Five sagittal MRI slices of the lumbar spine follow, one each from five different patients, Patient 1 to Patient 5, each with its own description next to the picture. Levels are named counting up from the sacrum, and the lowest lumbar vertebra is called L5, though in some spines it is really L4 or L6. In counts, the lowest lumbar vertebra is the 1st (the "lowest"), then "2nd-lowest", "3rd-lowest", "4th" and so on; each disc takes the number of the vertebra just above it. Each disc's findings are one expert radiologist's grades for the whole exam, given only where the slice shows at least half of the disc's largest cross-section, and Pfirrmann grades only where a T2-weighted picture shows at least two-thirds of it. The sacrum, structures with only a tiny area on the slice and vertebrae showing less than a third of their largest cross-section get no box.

Patient 1 of 5:
Field of view 300x300 mm, T2-weighted sagittal MRI of the lumbar spine

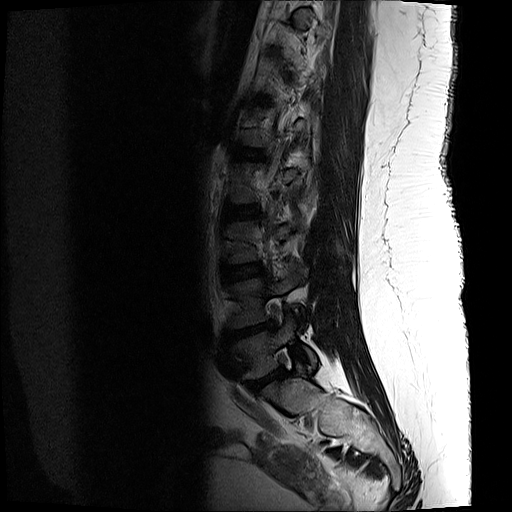

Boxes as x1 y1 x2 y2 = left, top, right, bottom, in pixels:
{"L5/S1": "249 368 285 390", "L2/L3": "227 206 258 217", "L4/L5": "223 319 277 343", "L3 vertebra": "227 217 304 263", "L5 vertebra": "225 313 318 379", "disc L3/L4": "225 263 266 280", "L1/L2": "233 147 262 158", "L4": "226 260 307 328"}

Expert MSK radiologist gradings (per disc):
  L5/S1: upper-endplate change, disc narrowing, Modic type II, disc herniation, lower-endplate change
  L4/L5: Pfirrmann grade 5, disc narrowing, Modic type II, disc herniation, upper-endplate change, lower-endplate change
  L3/L4: Pfirrmann grade 3
  L2/L3: lower-endplate change, upper-endplate change
  L1/L2: lower-endplate change

Patient 2 of 5:
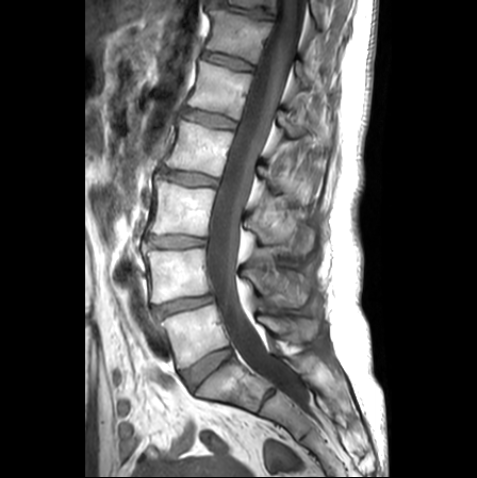 T1-weighted sagittal MRI of the lumbar spine, Sagittal slice index 12, 477x478 px

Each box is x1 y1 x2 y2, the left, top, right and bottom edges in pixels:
L3 vertebra: 150 175 314 255.
IVD L5/S1: 182 348 231 389.
L4/L5: 153 294 213 318.
T12: 207 10 308 87.
L5: 162 304 318 368.
L3/L4: 148 236 206 247.
IVD T12/L1: 203 51 252 70.
L1/L2: 184 108 236 128.
L2/L3: 162 167 217 186.
L4: 147 249 310 305.
IVD T11/T12: 210 0 273 19.
T11: 220 0 320 17.
Spinal canal: 208 0 306 394.
L1: 188 61 329 144.
L2: 165 119 279 190.

Expert MSK radiologist gradings (per disc):
  L2/L3: lower-endplate change, disc bulging, upper-endplate change
  T11/T12: disc narrowing, lower-endplate change, upper-endplate change
  L3/L4: disc bulging, disc narrowing
  T12/L1: upper-endplate change, lower-endplate change
  L4/L5: disc bulging, upper-endplate change, disc narrowing, lower-endplate change
  L1/L2: lower-endplate change, upper-endplate change
  L5/S1: no spondylolisthesis, narrowing, bulging, herniation, Modic or endplate change recorded

Patient 3 of 5:
Slice spacing 3.3 mm | Patient sex: M | Sagittal T2-weighted lumbar spine MRI
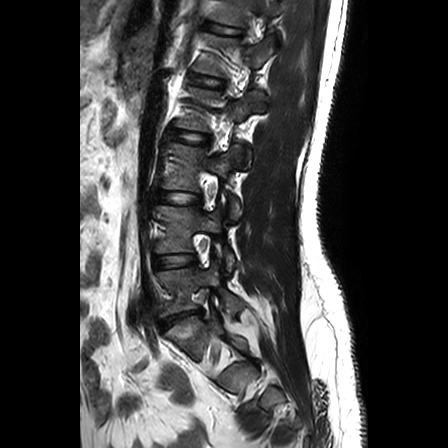 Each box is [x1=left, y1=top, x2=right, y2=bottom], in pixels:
Segmented structures:
- IVD L5/S1: [x1=162, y1=311, x2=200, y2=327]
- L4/L5: [x1=156, y1=255, x2=194, y2=267]
- L3 vertebra: [x1=165, y1=144, x2=241, y2=223]
- L4 vertebra: [x1=158, y1=206, x2=234, y2=272]
- L2 vertebra: [x1=177, y1=89, x2=266, y2=167]
- L1/L2: [x1=190, y1=74, x2=222, y2=87]
- L3/L4: [x1=159, y1=192, x2=200, y2=203]
- IVD T12/L1: [x1=204, y1=22, x2=239, y2=36]
- IVD L2/L3: [x1=171, y1=129, x2=206, y2=144]
- L5: [x1=158, y1=264, x2=245, y2=316]
- T12 vertebra: [x1=212, y1=1, x2=280, y2=25]

Radiological gradings:
- L3/L4: Pfirrmann grade 1
- L2/L3: Pfirrmann grade 1
- L4/L5, T12/L1, L1/L2: no Modic or endplate change, herniation, narrowing, bulging or spondylolisthesis recorded

Patient 4 of 5:
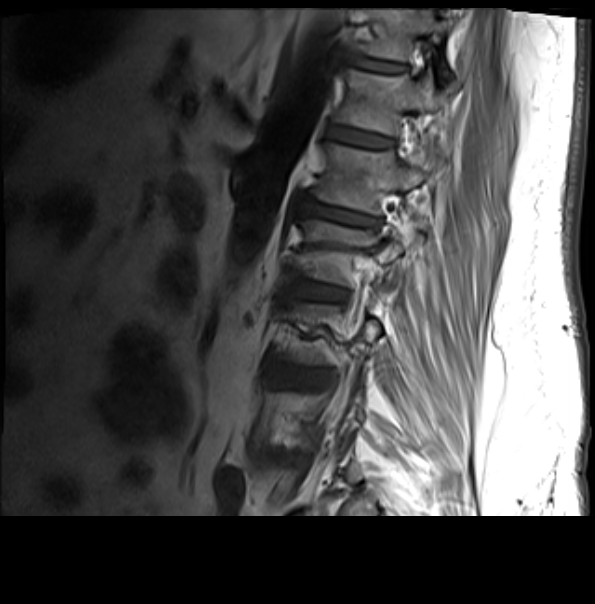 Image 595x604 | T1-weighted sagittal MRI of the lumbar spine

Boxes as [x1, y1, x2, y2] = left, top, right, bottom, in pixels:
6th disc at [327, 127, 392, 148], 4th disc at [288, 280, 345, 300], 5th vertebra at [313, 142, 446, 214], 7th vertebra at [355, 8, 451, 80], 5th disc at [298, 199, 380, 226], 6th vertebra at [333, 68, 451, 136], 4th vertebra at [292, 219, 405, 286], 7th disc at [342, 54, 406, 73].

Radiological gradings:
- 6th disc: upper-endplate change, Modic type II, lower-endplate change
- 5th disc: Modic type II, upper-endplate change, disc bulging, lower-endplate change
- 7th disc: Modic type II, lower-endplate change, upper-endplate change, disc bulging
- 4th disc: disc bulging, upper-endplate change, lower-endplate change, Modic type II

Patient 5 of 5:
MRI lumbar spine (T2-weighted), sagittal plane. Slice 8 of 15. Image 384x384. Sex M.

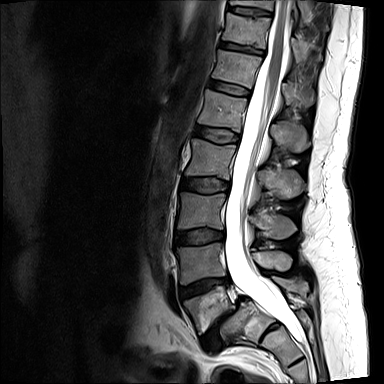
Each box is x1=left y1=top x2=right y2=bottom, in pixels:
L2 at x1=185 y1=139 x2=303 y2=198.
L2/L3 at x1=181 y1=178 x2=229 y2=193.
L3/L4 at x1=174 y1=228 x2=224 y2=244.
T10 vertebra at x1=230 y1=0 x2=304 y2=14.
T11 at x1=223 y1=13 x2=301 y2=62.
Intervertebral disc L1/L2 at x1=195 y1=126 x2=239 y2=142.
L4/L5 at x1=179 y1=276 x2=230 y2=298.
L4 vertebra at x1=175 y1=243 x2=291 y2=284.
Intervertebral disc T12/L1 at x1=210 y1=80 x2=250 y2=95.
T10/T11 at x1=229 y1=6 x2=271 y2=16.
T11/T12 at x1=220 y1=42 x2=264 y2=55.
Spinal canal at x1=224 y1=0 x2=302 y2=342.
L5 at x1=184 y1=276 x2=308 y2=334.
L1 vertebra at x1=199 y1=90 x2=309 y2=151.
L5/S1 at x1=203 y1=296 x2=246 y2=352.
T12 vertebra at x1=212 y1=50 x2=316 y2=107.
L3 vertebra at x1=177 y1=192 x2=296 y2=238.

Per-level radiological findings:
- L1/L2: Pfirrmann grade 2, disc bulging
- L3/L4: Pfirrmann grade 2, disc bulging
- L4/L5: Pfirrmann grade 4, disc narrowing, Modic type II, disc herniation, lower-endplate change, upper-endplate change
- T10/T11: Pfirrmann grade 3, upper-endplate change
- T11/T12: Pfirrmann grade 3, disc narrowing, lower-endplate change
- L5/S1: Pfirrmann grade 5, disc bulging, disc narrowing, spondylolisthesis, Modic type II, upper-endplate change, lower-endplate change
- T12/L1: Pfirrmann grade 2
- L2/L3: Pfirrmann grade 2, disc bulging